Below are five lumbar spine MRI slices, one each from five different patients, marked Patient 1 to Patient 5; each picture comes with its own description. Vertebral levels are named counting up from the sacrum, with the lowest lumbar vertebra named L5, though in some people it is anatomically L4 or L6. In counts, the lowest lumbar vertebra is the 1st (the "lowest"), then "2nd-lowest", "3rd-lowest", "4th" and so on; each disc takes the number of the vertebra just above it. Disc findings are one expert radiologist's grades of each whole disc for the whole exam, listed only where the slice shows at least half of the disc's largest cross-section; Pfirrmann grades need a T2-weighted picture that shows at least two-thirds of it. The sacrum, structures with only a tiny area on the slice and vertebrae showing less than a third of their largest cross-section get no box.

Patient 1 of 5:
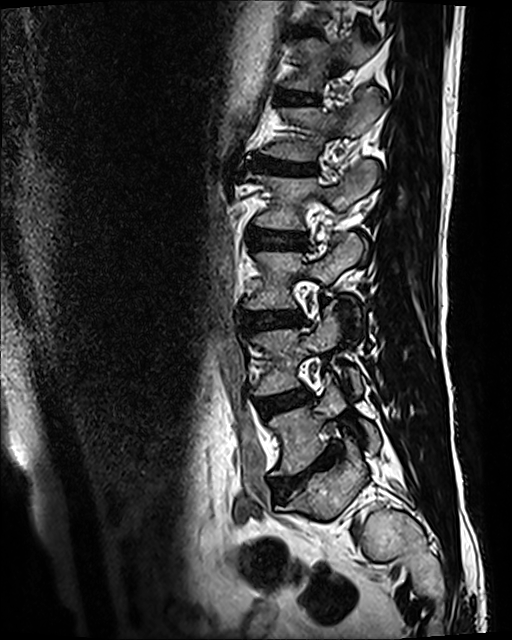 512x640 px, MRI lumbar spine (T2 SPACE (3D)), sagittal plane, Sagittal slice index 84

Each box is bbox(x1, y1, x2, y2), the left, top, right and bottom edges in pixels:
L3/L4 at bbox(245, 309, 302, 330); intervertebral disc L1/L2 at bbox(247, 158, 317, 175); L5 at bbox(270, 376, 379, 475); L2 vertebra at bbox(246, 159, 378, 229); intervertebral disc T11/T12 at bbox(302, 31, 319, 36); L5/S1 at bbox(271, 443, 344, 493); intervertebral disc L2/L3 at bbox(247, 227, 306, 248); T12 at bbox(284, 36, 377, 90); L3 at bbox(244, 232, 365, 307); L1 at bbox(262, 89, 381, 161); L4 vertebra at bbox(252, 314, 363, 396); intervertebral disc T12/L1 at bbox(278, 90, 317, 104); intervertebral disc L4/L5 at bbox(260, 390, 308, 415).

Per-level radiological findings:
• L1/L2: Pfirrmann grade 5, Modic type II, disc bulging, disc narrowing, lower-endplate change, upper-endplate change
• L3/L4: upper-endplate change, disc bulging, lower-endplate change
• L5/S1: Pfirrmann grade 5, lower-endplate change, disc narrowing, disc bulging, upper-endplate change, Modic type II
• L2/L3: Pfirrmann grade 3
• T12/L1: no herniation, bulging, narrowing, spondylolisthesis, endplate or Modic change recorded

Patient 2 of 5:
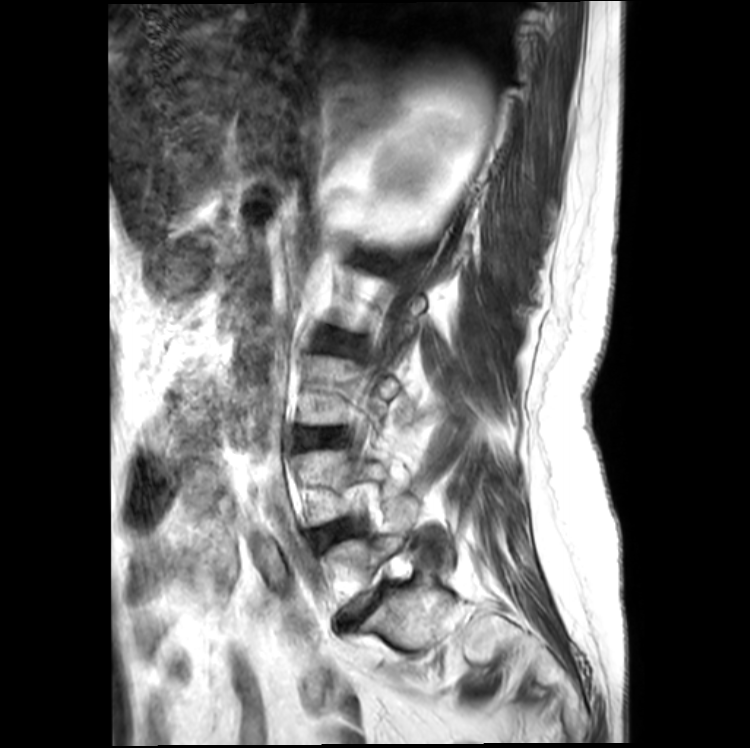
Patient sex: F, Sagittal slice index 4, MRI lumbar spine (T2-weighted), sagittal plane, Slice spacing 4.4 mm

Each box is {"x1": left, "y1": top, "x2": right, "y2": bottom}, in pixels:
L2/L3 = {"x1": 323, "y1": 335, "x2": 353, "y2": 354} | disc L4/L5 = {"x1": 316, "y1": 520, "x2": 361, "y2": 544} | L3/L4 = {"x1": 298, "y1": 428, "x2": 345, "y2": 448}

Patient 3 of 5:
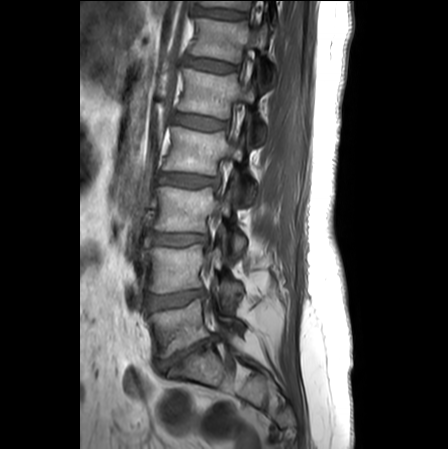 MRI lumbar spine (T1-weighted), sagittal plane, Sagittal slice index 8, Slice spacing 3.3 mm, Sex F, 448x449 px
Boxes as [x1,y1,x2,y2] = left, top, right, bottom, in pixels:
Segmented structures:
• intervertebral disc L4/L5 (2nd-lowest disc): [148,290,204,310]
• L2 (4th vertebra): [165,127,255,202]
• intervertebral disc L1/L2 (5th disc): [175,115,225,130]
• T12 (6th vertebra): [192,18,274,85]
• L5 (lowest vertebra): [149,299,244,358]
• L3/L4 (3rd-lowest disc): [148,234,207,245]
• L1 (5th vertebra): [180,69,264,144]
• L5/S1 (lowest disc): [157,335,216,370]
• L2/L3 (4th disc): [160,174,217,186]
• L3 (3rd-lowest vertebra): [155,186,246,256]
• T11/T12 (7th disc): [198,8,244,18]
• L4 (2nd-lowest vertebra): [146,245,242,303]
• T11 (7th vertebra): [200,1,250,9]
• T12/L1 (6th disc): [187,58,236,72]

Expert MSK radiologist gradings (per disc):
- L5/S1 (lowest disc): disc herniation, disc narrowing, upper-endplate change, lower-endplate change, Modic type II
- L2/L3 (4th disc): disc bulging
- L4/L5 (2nd-lowest disc): disc narrowing, disc bulging
- L3/L4 (3rd-lowest disc): disc bulging
- T11/T12 (7th disc), T12/L1 (6th disc), L1/L2 (5th disc): no herniation, bulging, narrowing, spondylolisthesis, endplate or Modic change recorded

Patient 4 of 5:
Image 512x640. Slice 85 of 120. Sex M. Sagittal T2 SPACE (3D) lumbar spine MRI.

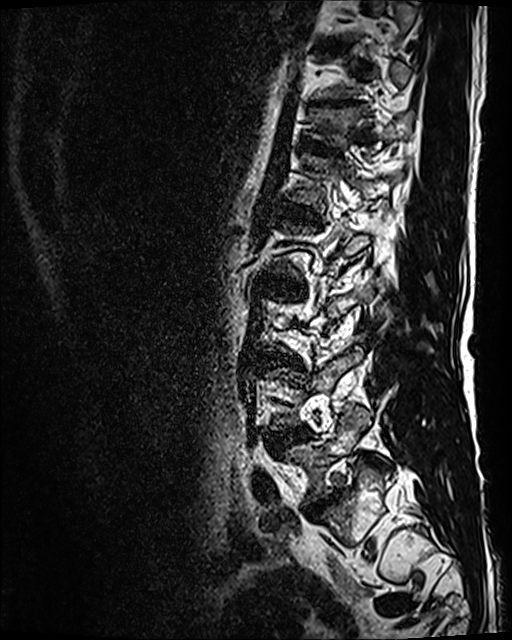 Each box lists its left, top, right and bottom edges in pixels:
Annotations:
* T12: left=309, top=107, right=413, bottom=143
* IVD L1/L2: left=282, top=205, right=318, bottom=221
* L5: left=286, top=410, right=364, bottom=503
* T12/L1: left=305, top=141, right=337, bottom=154
* IVD L5/S1: left=306, top=495, right=335, bottom=519
* IVD T11/T12: left=321, top=101, right=346, bottom=106
* IVD L3/L4: left=261, top=355, right=296, bottom=363
* L1: left=290, top=154, right=402, bottom=210
* IVD L4/L5: left=267, top=428, right=309, bottom=451
* IVD L2/L3: left=260, top=276, right=300, bottom=290

Patient 5 of 5:
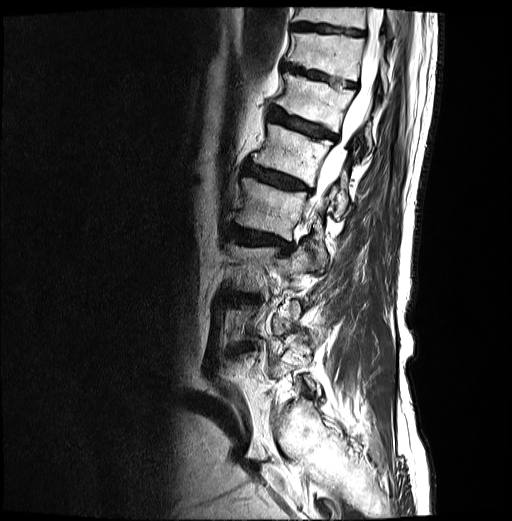
T2-weighted sagittal MRI of the lumbar spine

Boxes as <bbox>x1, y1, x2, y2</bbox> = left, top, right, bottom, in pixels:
disc L2/L3: <bbox>229, 226, 291, 252</bbox>
disc T10/T11: <bbox>293, 23, 363, 34</bbox>
thecal sac / spinal canal: <bbox>306, 7, 383, 218</bbox>
T10: <bbox>294, 7, 397, 37</bbox>
T11/T12: <bbox>283, 64, 356, 87</bbox>
T11 vertebra: <bbox>286, 33, 387, 93</bbox>
L1: <bbox>252, 123, 347, 218</bbox>
disc T12/L1: <bbox>270, 108, 336, 140</bbox>
L2 vertebra: <bbox>235, 177, 333, 266</bbox>
L1/L2: <bbox>244, 163, 308, 189</bbox>
T12: <bbox>276, 72, 371, 149</bbox>

Per-level radiological findings:
• T10/T11: Pfirrmann grade 3
• L2/L3: Pfirrmann grade 4, upper-endplate change, disc bulging, Modic type I, lower-endplate change, disc narrowing
• T12/L1: Pfirrmann grade 4, lower-endplate change, Modic type II, upper-endplate change, disc bulging
• T11/T12: Pfirrmann grade 4, lower-endplate change, upper-endplate change, disc bulging
• L1/L2: Pfirrmann grade 4, Modic type II, lower-endplate change, disc bulging, upper-endplate change